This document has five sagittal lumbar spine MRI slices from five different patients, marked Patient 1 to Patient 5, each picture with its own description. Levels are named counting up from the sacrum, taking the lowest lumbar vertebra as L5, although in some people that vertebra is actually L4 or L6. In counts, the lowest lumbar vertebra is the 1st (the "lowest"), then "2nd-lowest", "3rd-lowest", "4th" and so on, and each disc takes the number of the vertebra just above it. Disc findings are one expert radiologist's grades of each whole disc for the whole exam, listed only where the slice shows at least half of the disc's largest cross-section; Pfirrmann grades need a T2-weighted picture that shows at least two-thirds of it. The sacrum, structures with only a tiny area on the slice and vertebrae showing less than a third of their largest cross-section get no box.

Patient 1 of 5:
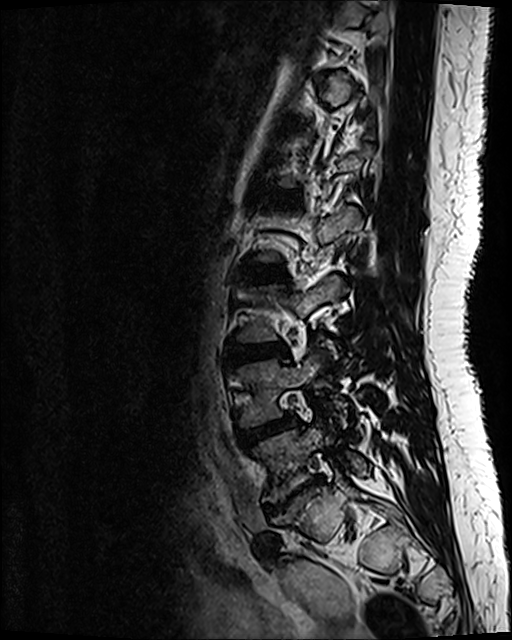 Sagittal slice index 83. Field of view 240x300 mm, slice spacing 0.9 mm. Lumbar spine MR, T2 SPACE (3D), sagittal.
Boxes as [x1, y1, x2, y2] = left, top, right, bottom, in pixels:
L1/L2: [265, 192, 299, 203] | L5 vertebra: [255, 425, 369, 501] | L2/L3: [244, 266, 284, 280] | IVD L5/S1: [265, 478, 322, 515] | L3/L4: [229, 344, 286, 361] | L4/L5: [237, 414, 295, 446] | L4: [240, 356, 319, 424]

Radiological gradings:
- L4/L5: disc bulging
- L3/L4: disc bulging

Patient 2 of 5:
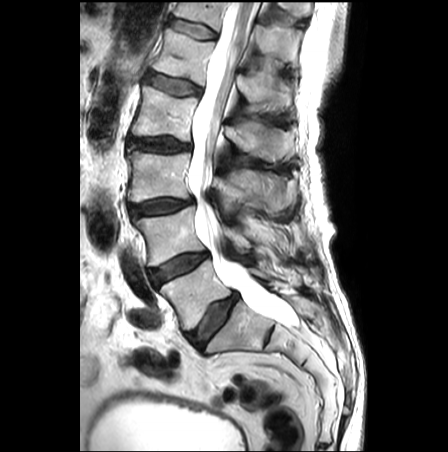 Sex M, T2-weighted sagittal MRI of the lumbar spine, Slice spacing 3.3 mm
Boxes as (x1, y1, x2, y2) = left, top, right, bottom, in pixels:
- 4th disc: (126, 137, 191, 153)
- 5th disc: (145, 71, 201, 95)
- 5th vertebra: (152, 28, 289, 110)
- lowest vertebra: (160, 260, 267, 330)
- 4th vertebra: (132, 85, 293, 160)
- 3rd-lowest disc: (130, 197, 194, 215)
- 6th disc: (168, 18, 216, 38)
- 2nd-lowest disc: (150, 252, 208, 285)
- spinal canal: (190, 2, 293, 324)
- 6th vertebra: (174, 2, 301, 66)
- lowest disc: (187, 293, 237, 349)
- 2nd-lowest vertebra: (134, 207, 276, 266)
- 3rd-lowest vertebra: (128, 150, 295, 212)

Per-level radiological findings:
- 2nd-lowest disc: Pfirrmann grade 3, disc bulging
- 6th disc: Pfirrmann grade 1
- lowest disc: Pfirrmann grade 3, disc bulging
- 4th disc: Pfirrmann grade 3, disc bulging
- 3rd-lowest disc: Pfirrmann grade 3, disc narrowing, disc bulging
- 5th disc: Pfirrmann grade 2, Modic type II, upper-endplate change, lower-endplate change, disc bulging

Patient 3 of 5:
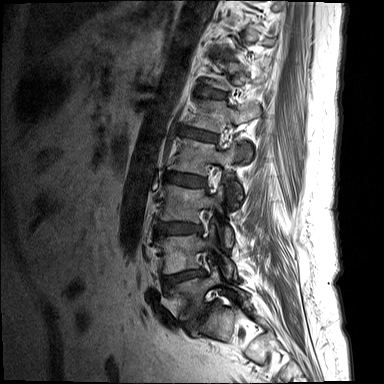
Lumbar spine MR, T1-weighted, sagittal; Slice 12 of 15
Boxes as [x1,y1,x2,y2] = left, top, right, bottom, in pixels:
Segmented structures:
• IVD T12/L1 (6th disc): [199,87,226,98]
• L5/S1 (lowest disc): [183,302,217,328]
• L1 (5th vertebra): [188,99,260,157]
• L4/L5 (2nd-lowest disc): [162,269,204,287]
• IVD L2/L3 (4th disc): [165,173,205,186]
• L4 (2nd-lowest vertebra): [155,225,234,277]
• IVD L1/L2 (5th disc): [179,127,217,142]
• L5 (lowest vertebra): [168,267,247,319]
• L2 (4th vertebra): [168,137,246,207]
• L3/L4 (3rd-lowest disc): [155,223,202,236]
• T12 (6th vertebra): [206,63,264,90]
• L3 (3rd-lowest vertebra): [159,184,233,247]

Degenerative findings by level:
  T12/L1 (6th disc): Modic type II
  L3/L4 (3rd-lowest disc): disc bulging
  L1/L2 (5th disc): disc bulging
  L4/L5 (2nd-lowest disc): Modic type II, upper-endplate change, lower-endplate change, disc narrowing, disc bulging
  L2/L3 (4th disc): disc bulging

Patient 4 of 5:
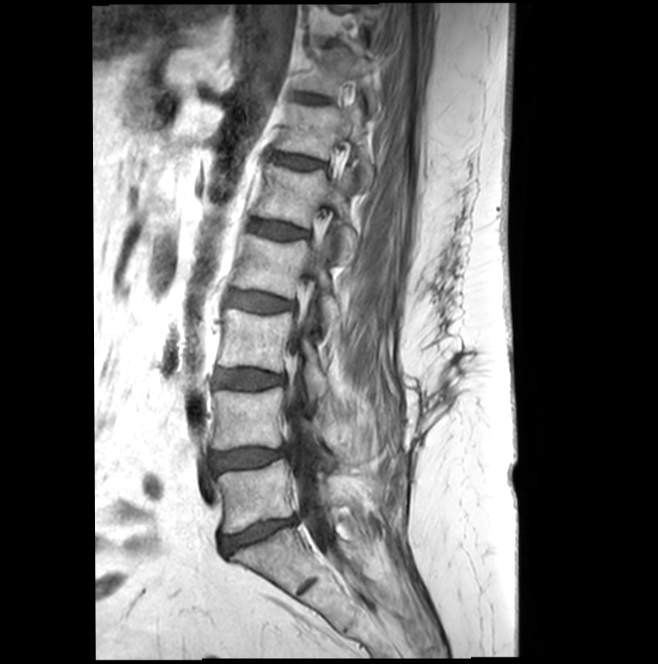
Sagittal T1-weighted lumbar spine MRI. Image 658x664.

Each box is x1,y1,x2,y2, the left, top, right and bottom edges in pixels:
L1 (5th vertebra): 255,164,359,264
T11 (7th vertebra): 295,48,377,112
T12 (6th vertebra): 274,103,373,188
disc L5/S1 (lowest disc): 220,516,296,553
disc L4/L5 (2nd-lowest disc): 211,447,285,472
L1/L2 (5th disc): 248,220,308,238
L3/L4 (3rd-lowest disc): 215,369,283,388
L2/L3 (4th disc): 227,290,294,311
disc T12/L1 (6th disc): 269,152,324,168
L3 (3rd-lowest vertebra): 218,308,328,396
L2 (4th vertebra): 232,233,342,333
spinal canal: 286,274,337,553
L5 (lowest vertebra): 218,459,384,533
L4 (2nd-lowest vertebra): 211,386,372,461
T11/T12 (7th disc): 294,94,328,103

Expert MSK radiologist gradings (per disc):
  T12/L1 (6th disc): disc bulging
  L4/L5 (2nd-lowest disc): disc narrowing
  L5/S1 (lowest disc): disc narrowing, Modic type II, disc bulging
  L3/L4 (3rd-lowest disc): Modic type II
  L1/L2 (5th disc), L2/L3 (4th disc): no herniation, bulging, narrowing, spondylolisthesis, endplate or Modic change recorded

Patient 5 of 5:
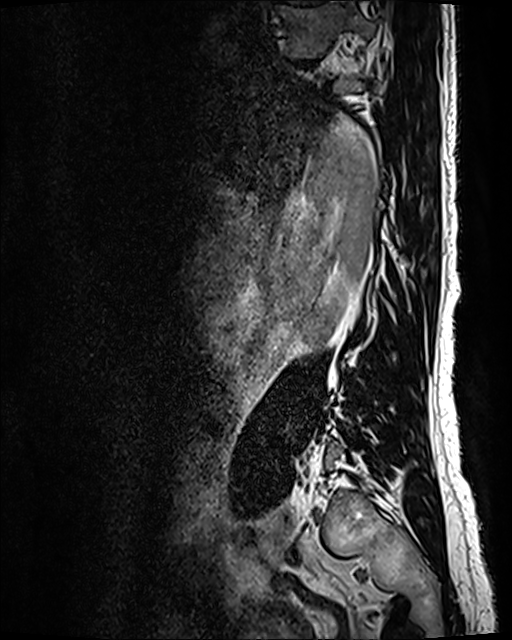 512x640 px; Sagittal T2 SPACE (3D) lumbar spine MRI
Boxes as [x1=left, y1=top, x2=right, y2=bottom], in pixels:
• T10 (8th vertebra) — [x1=279, y1=3, x2=375, y2=57]
• T10/T11 (8th disc) — [x1=296, y1=59, x2=315, y2=67]